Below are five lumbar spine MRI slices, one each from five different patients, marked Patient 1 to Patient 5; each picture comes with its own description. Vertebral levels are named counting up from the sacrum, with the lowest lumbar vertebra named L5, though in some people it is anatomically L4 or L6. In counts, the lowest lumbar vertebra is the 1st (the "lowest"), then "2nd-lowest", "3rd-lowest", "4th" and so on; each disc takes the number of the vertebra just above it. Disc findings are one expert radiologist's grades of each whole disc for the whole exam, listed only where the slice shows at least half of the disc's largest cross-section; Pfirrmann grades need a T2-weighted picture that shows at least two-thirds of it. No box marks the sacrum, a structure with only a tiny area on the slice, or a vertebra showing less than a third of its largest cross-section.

Patient 1 of 5:
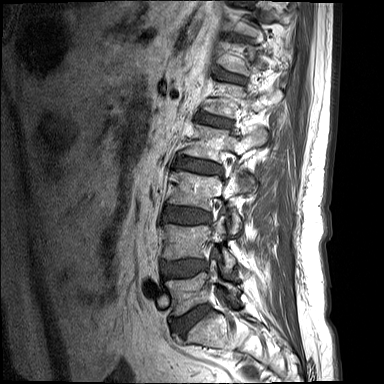 Slice 12/15. Field of view 280x280 mm, slice spacing 4.4 mm. T1-weighted sagittal MRI of the lumbar spine.
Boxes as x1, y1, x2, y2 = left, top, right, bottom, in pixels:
5th disc: 197, 113, 233, 128
lowest vertebra: 166, 261, 239, 315
3rd-lowest disc: 163, 206, 210, 223
6th vertebra: 225, 44, 292, 76
2nd-lowest disc: 162, 260, 207, 277
lowest disc: 174, 305, 209, 334
4th disc: 174, 157, 223, 175
3rd-lowest vertebra: 169, 171, 254, 233
2nd-lowest vertebra: 163, 216, 235, 272
4th vertebra: 183, 124, 267, 161
5th vertebra: 204, 83, 282, 117
6th disc: 219, 72, 246, 83

Per-level radiological findings:
- 4th disc: upper-endplate change, lower-endplate change, disc bulging
- 3rd-lowest disc: upper-endplate change, lower-endplate change, disc bulging
- 5th disc: upper-endplate change, lower-endplate change
- 2nd-lowest disc: disc bulging
- lowest disc: disc bulging

Patient 2 of 5:
Sagittal T2-weighted lumbar spine MRI; Sagittal slice index 11; Sex F

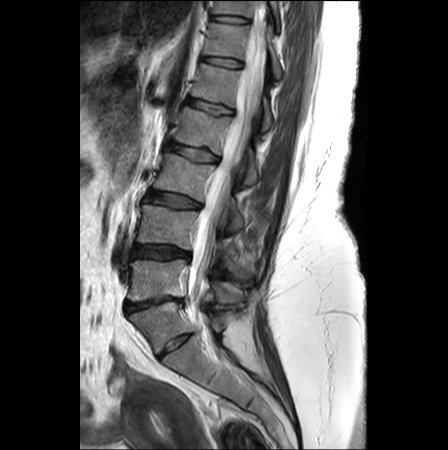
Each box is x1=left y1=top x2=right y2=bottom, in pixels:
L1 — x1=191 y1=63 x2=272 y2=130.
Disc L2/L3 — x1=166 y1=141 x2=217 y2=160.
L4 vertebra — x1=137 y1=204 x2=235 y2=270.
Spinal canal — x1=188 y1=8 x2=265 y2=327.
Disc L4/L5 — x1=132 y1=244 x2=191 y2=260.
Disc T11/T12 — x1=212 y1=16 x2=247 y2=22.
T12/L1 — x1=202 y1=57 x2=240 y2=67.
L5 vertebra — x1=128 y1=260 x2=242 y2=302.
L2 — x1=174 y1=107 x2=257 y2=187.
Disc L5/S1 — x1=125 y1=297 x2=183 y2=313.
T11 — x1=213 y1=1 x2=278 y2=24.
T12 vertebra — x1=204 y1=23 x2=281 y2=78.
L3 vertebra — x1=154 y1=153 x2=242 y2=229.
Disc L1/L2 — x1=187 y1=98 x2=232 y2=112.
Disc L3/L4 — x1=146 y1=190 x2=200 y2=207.

Per-level radiological findings:
  T11/T12: Pfirrmann grade 1
  L4/L5: Pfirrmann grade 4, disc herniation, disc bulging
  T12/L1: Pfirrmann grade 1
  L5/S1: Pfirrmann grade 5, disc narrowing, Modic type II, disc bulging, spondylolisthesis
  L3/L4: Pfirrmann grade 3, disc bulging, Modic type II
  L1/L2: Pfirrmann grade 2, upper-endplate change, lower-endplate change
  L2/L3: Pfirrmann grade 2, lower-endplate change, upper-endplate change

Patient 3 of 5:
Sex F, Slice 25 of 33, Sagittal T1-weighted lumbar spine MRI, Field of view 280x286 mm, slice spacing 3.3 mm 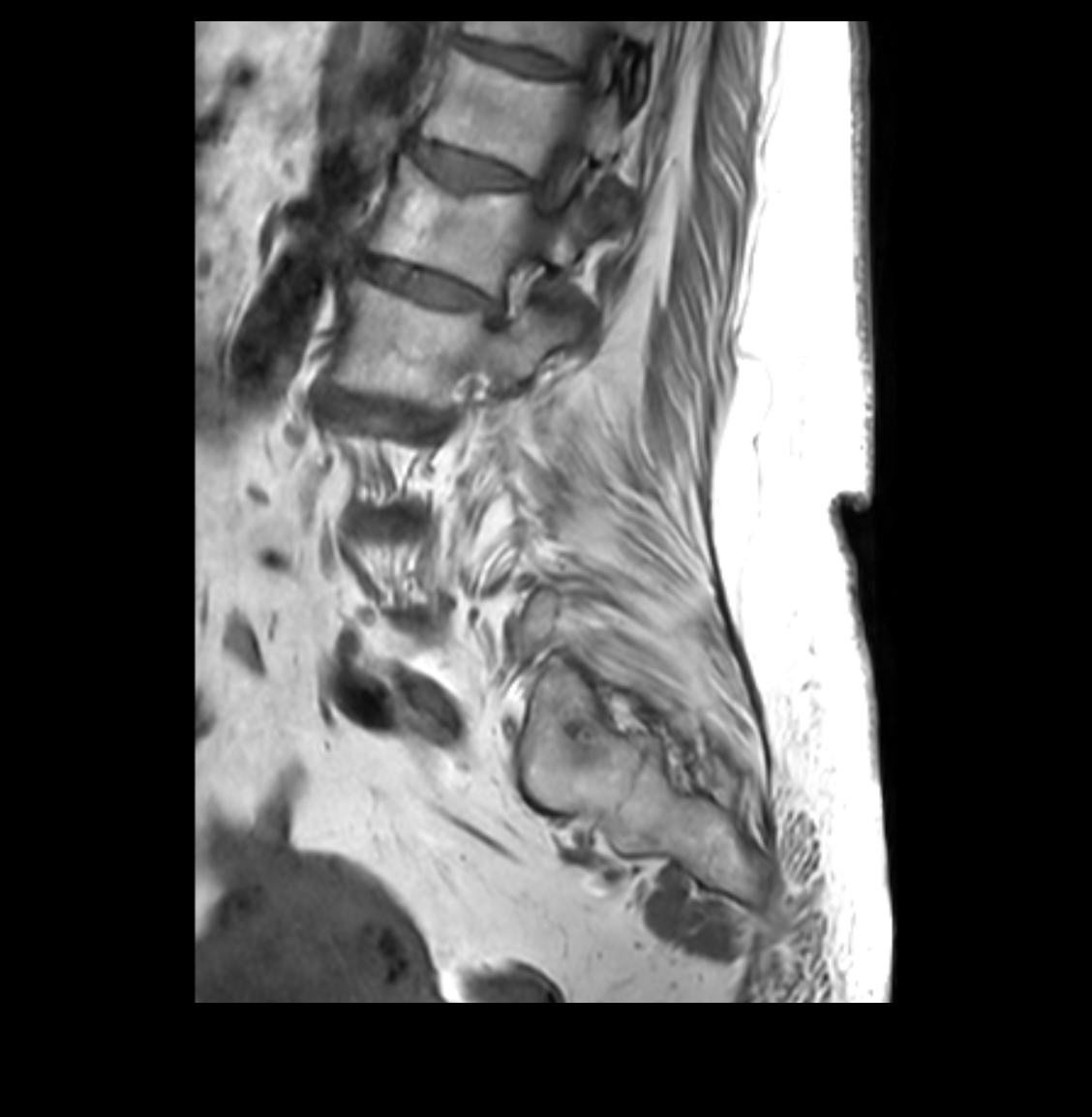

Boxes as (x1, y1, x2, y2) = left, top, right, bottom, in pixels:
intervertebral disc L1/L2: (358, 257, 499, 316)
L1 vertebra: (368, 157, 604, 292)
spinal canal: (531, 29, 606, 220)
L2: (331, 272, 579, 394)
T12/L1: (414, 143, 526, 188)
intervertebral disc T11/T12: (458, 38, 564, 75)
T11: (463, 21, 652, 93)
T12: (422, 49, 621, 210)

Degenerative findings by level:
• T12/L1: disc narrowing, disc bulging
• L1/L2: lower-endplate change, disc bulging, disc narrowing, upper-endplate change
• T11/T12: disc narrowing

Patient 4 of 5:
512x640 px; SIEMENS Avanto_fit (1.5T); Sagittal T2 SPACE (3D) lumbar spine MRI; Slice 60/120
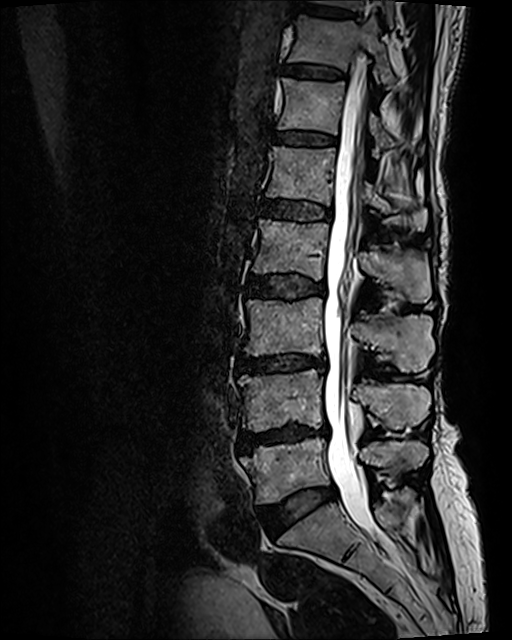
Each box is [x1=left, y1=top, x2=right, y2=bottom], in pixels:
Segmented structures:
* intervertebral disc T12/L1 = [x1=275, y1=131, x2=336, y2=145]
* L2 vertebra = [x1=252, y1=218, x2=430, y2=303]
* L4 = [x1=238, y1=369, x2=430, y2=432]
* L2/L3 = [x1=250, y1=272, x2=325, y2=298]
* L1/L2 = [x1=261, y1=200, x2=331, y2=220]
* T12 vertebra = [x1=277, y1=77, x2=424, y2=155]
* thecal sac / spinal canal = [x1=324, y1=55, x2=378, y2=541]
* L3/L4 = [x1=238, y1=354, x2=326, y2=372]
* intervertebral disc T10/T11 = [x1=302, y1=6, x2=351, y2=17]
* intervertebral disc L5/S1 = [x1=259, y1=488, x2=335, y2=531]
* T11 vertebra = [x1=288, y1=16, x2=395, y2=90]
* L3 vertebra = [x1=242, y1=297, x2=435, y2=372]
* T10 vertebra = [x1=315, y1=0, x2=393, y2=27]
* L1 = [x1=266, y1=145, x2=426, y2=230]
* L5 = [x1=241, y1=436, x2=427, y2=504]
* intervertebral disc T11/T12 = [x1=285, y1=64, x2=344, y2=78]
* intervertebral disc L4/L5 = [x1=240, y1=425, x2=328, y2=449]

Degenerative findings by level:
  T10/T11: lower-endplate change, upper-endplate change
  L2/L3: Pfirrmann grade 3, Modic type II, upper-endplate change, disc bulging, lower-endplate change
  T12/L1: Pfirrmann grade 2, Modic type II, lower-endplate change, upper-endplate change
  T11/T12: Pfirrmann grade 2, upper-endplate change, Modic type II, lower-endplate change
  L3/L4: Pfirrmann grade 4, upper-endplate change, disc narrowing, Modic type II, lower-endplate change, disc bulging
  L1/L2: Pfirrmann grade 3, Modic type II, lower-endplate change, upper-endplate change
  L5/S1: Pfirrmann grade 2, disc bulging
  L4/L5: Pfirrmann grade 4, Modic type II, upper-endplate change, disc narrowing, disc bulging, lower-endplate change

Patient 5 of 5:
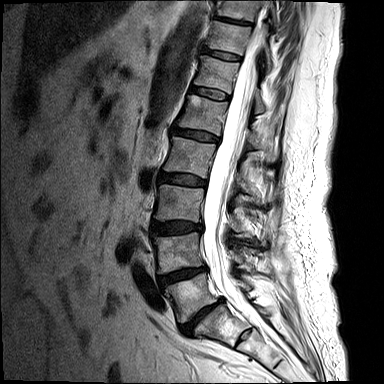 Slice 9 of 15. Lumbar spine MR, T2-weighted, sagittal.
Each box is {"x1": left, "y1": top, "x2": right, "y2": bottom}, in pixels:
Annotations:
• L5 (lowest vertebra) = {"x1": 165, "y1": 273, "x2": 251, "y2": 322}
• spinal canal = {"x1": 203, "y1": 23, "x2": 270, "y2": 333}
• L4/L5 (2nd-lowest disc) = {"x1": 158, "y1": 266, "x2": 206, "y2": 287}
• L3 (3rd-lowest vertebra) = {"x1": 154, "y1": 184, "x2": 241, "y2": 232}
• L1 (5th vertebra) = {"x1": 178, "y1": 95, "x2": 278, "y2": 161}
• T11/T12 (7th disc) = {"x1": 202, "y1": 48, "x2": 241, "y2": 61}
• IVD L2/L3 (4th disc) = {"x1": 159, "y1": 173, "x2": 205, "y2": 186}
• T11 (7th vertebra) = {"x1": 206, "y1": 20, "x2": 272, "y2": 70}
• IVD L5/S1 (lowest disc) = {"x1": 180, "y1": 298, "x2": 223, "y2": 335}
• T10 (8th vertebra) = {"x1": 217, "y1": 0, "x2": 278, "y2": 26}
• L2 (4th vertebra) = {"x1": 164, "y1": 137, "x2": 250, "y2": 192}
• T12 (6th vertebra) = {"x1": 194, "y1": 55, "x2": 265, "y2": 112}
• IVD T12/L1 (6th disc) = {"x1": 190, "y1": 86, "x2": 229, "y2": 99}
• IVD T10/T11 (8th disc) = {"x1": 214, "y1": 14, "x2": 251, "y2": 25}
• L4 (2nd-lowest vertebra) = {"x1": 154, "y1": 232, "x2": 244, "y2": 273}
• IVD L1/L2 (5th disc) = {"x1": 173, "y1": 127, "x2": 219, "y2": 142}
• L3/L4 (3rd-lowest disc) = {"x1": 151, "y1": 221, "x2": 202, "y2": 234}

Radiological gradings:
• T10/T11 (8th disc): Pfirrmann grade 5, disc narrowing, Modic type II, lower-endplate change
• T12/L1 (6th disc): Pfirrmann grade 2, Modic type II
• L1/L2 (5th disc): Pfirrmann grade 3, disc bulging
• L3/L4 (3rd-lowest disc): Pfirrmann grade 3, disc bulging
• L5/S1 (lowest disc): Pfirrmann grade 5, upper-endplate change, Modic type II, lower-endplate change, disc narrowing, disc bulging
• T11/T12 (7th disc): Pfirrmann grade 2, Modic type II, upper-endplate change
• L2/L3 (4th disc): Pfirrmann grade 3, disc bulging
• L4/L5 (2nd-lowest disc): Pfirrmann grade 4, disc narrowing, Modic type II, upper-endplate change, lower-endplate change, disc bulging